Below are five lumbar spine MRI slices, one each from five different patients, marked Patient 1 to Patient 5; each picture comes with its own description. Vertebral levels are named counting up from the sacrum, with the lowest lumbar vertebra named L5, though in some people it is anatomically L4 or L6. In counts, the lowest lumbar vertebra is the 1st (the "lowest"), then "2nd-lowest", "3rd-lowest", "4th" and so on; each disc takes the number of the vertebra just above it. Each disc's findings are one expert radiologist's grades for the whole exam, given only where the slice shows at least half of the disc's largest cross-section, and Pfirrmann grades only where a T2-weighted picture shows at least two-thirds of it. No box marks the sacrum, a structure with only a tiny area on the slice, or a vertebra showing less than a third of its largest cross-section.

Patient 1 of 5:
Lumbar spine MR, T1-weighted, sagittal.
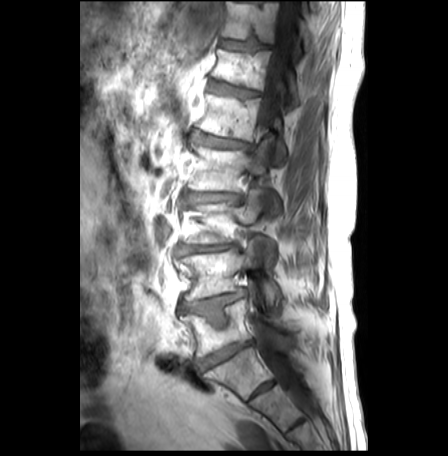
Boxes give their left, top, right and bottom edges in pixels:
Segmented structures:
* 4th vertebra: left=188, top=140, right=278, bottom=211
* lowest disc: left=198, top=342, right=251, bottom=371
* 7th vertebra: left=221, top=1, right=313, bottom=51
* 3rd-lowest disc: left=176, top=245, right=232, bottom=255
* 5th vertebra: left=197, top=95, right=284, bottom=166
* 6th disc: left=208, top=80, right=260, bottom=97
* thecal sac / spinal canal: left=251, top=1, right=293, bottom=387
* 7th disc: left=219, top=39, right=271, bottom=51
* lowest vertebra: left=181, top=300, right=298, bottom=357
* 2nd-lowest vertebra: left=179, top=240, right=279, bottom=305
* 2nd-lowest disc: left=180, top=291, right=246, bottom=326
* 3rd-lowest vertebra: left=185, top=192, right=275, bottom=267
* 4th disc: left=186, top=195, right=239, bottom=203
* 5th disc: left=193, top=133, right=249, bottom=149
* 6th vertebra: left=211, top=50, right=298, bottom=109

Per-level radiological findings:
  6th disc: disc bulging, lower-endplate change, upper-endplate change, Modic type II
  lowest disc: disc bulging, disc narrowing, Modic type II
  2nd-lowest disc: upper-endplate change, lower-endplate change, disc bulging, Modic type II
  5th disc: lower-endplate change, disc bulging, Modic type II, upper-endplate change
  7th disc: lower-endplate change, Modic type II, upper-endplate change

Patient 2 of 5:
SIEMENS Avanto_fit (1.5T), Patient sex: M, Sagittal T2-weighted lumbar spine MRI 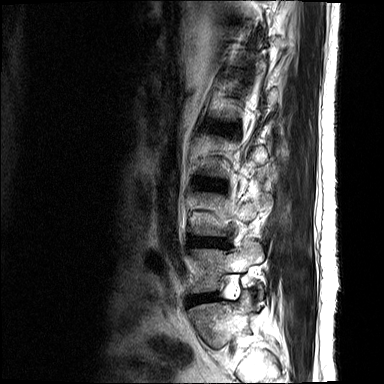
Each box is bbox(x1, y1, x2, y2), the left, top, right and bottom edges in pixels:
{"L4/L5": "bbox(190, 238, 217, 246)", "disc L5/S1": "bbox(195, 294, 214, 301)", "L3/L4": "bbox(202, 182, 215, 189)", "L5 vertebra": "bbox(192, 241, 263, 296)"}

Patient 3 of 5:
Slice 13 of 26 | Lumbar spine MR, T2-weighted, sagittal | 503x501 px 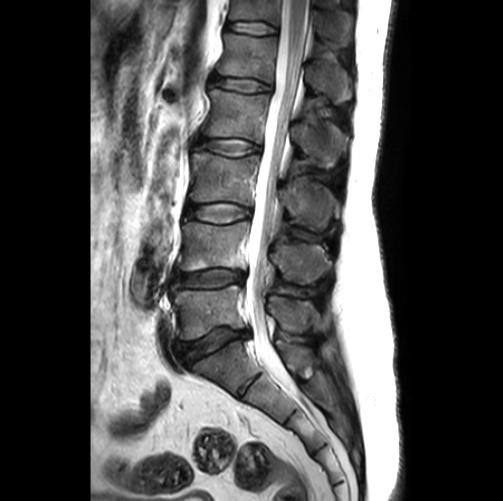 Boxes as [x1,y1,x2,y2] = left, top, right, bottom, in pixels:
L5 vertebra: [172,285,318,339]
thecal sac / spinal canal: [246,0,308,387]
L4/L5: [172,270,244,288]
T12/L1: [226,22,276,34]
IVD L3/L4: [185,203,250,222]
L3 vertebra: [190,152,338,227]
L4: [177,222,327,283]
T12: [229,0,352,45]
L2/L3: [196,138,260,156]
L1: [217,33,350,103]
L1/L2: [211,75,270,91]
L5/S1: [173,327,248,367]
L2: [204,89,336,168]

Expert MSK radiologist gradings (per disc):
  L2/L3: Pfirrmann grade 2
  L5/S1: Pfirrmann grade 3, disc narrowing, disc bulging
  L1/L2: Pfirrmann grade 2
  L3/L4: Pfirrmann grade 2
  T12/L1: Pfirrmann grade 1
  L4/L5: Pfirrmann grade 3, upper-endplate change, lower-endplate change, disc bulging, Modic type II, disc narrowing

Patient 4 of 5:
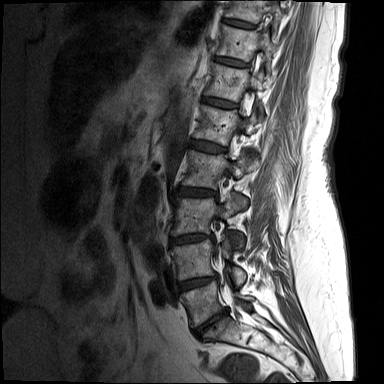

Sagittal slice index 4. 384x384 px. Sagittal T1-weighted lumbar spine MRI.
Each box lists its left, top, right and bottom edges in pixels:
T11 at left=217, top=24, right=276, bottom=72; T12 vertebra at left=205, top=64, right=264, bottom=121; T10 at left=225, top=0, right=283, bottom=36; L2 at left=182, top=150, right=260, bottom=188; L1 at left=195, top=105, right=256, bottom=145; T11/T12 at left=216, top=57, right=246, bottom=66; L4/L5 at left=178, top=275, right=217, bottom=290; IVD T10/T11 at left=224, top=18, right=255, bottom=28; IVD L3/L4 at left=170, top=233, right=211, bottom=244; IVD T12/L1 at left=203, top=97, right=237, bottom=108; L5 at left=180, top=277, right=253, bottom=326; IVD L5/S1 at left=193, top=308, right=228, bottom=337; IVD L2/L3 at left=176, top=187, right=215, bottom=196; L4 vertebra at left=172, top=236, right=246, bottom=285; L3 vertebra at left=171, top=192, right=247, bottom=247; L1/L2 at left=190, top=140, right=226, bottom=151.

Expert MSK radiologist gradings (per disc):
• L4/L5: disc narrowing, disc bulging
• L5/S1: Modic type II, disc narrowing, disc bulging
• L2/L3: disc bulging, Modic type II
• L1/L2: Modic type II
• L3/L4: disc narrowing, disc bulging
• T12/L1, T11/T12, T10/T11: no spondylolisthesis, narrowing, bulging, herniation, Modic or endplate change recorded

Patient 5 of 5:
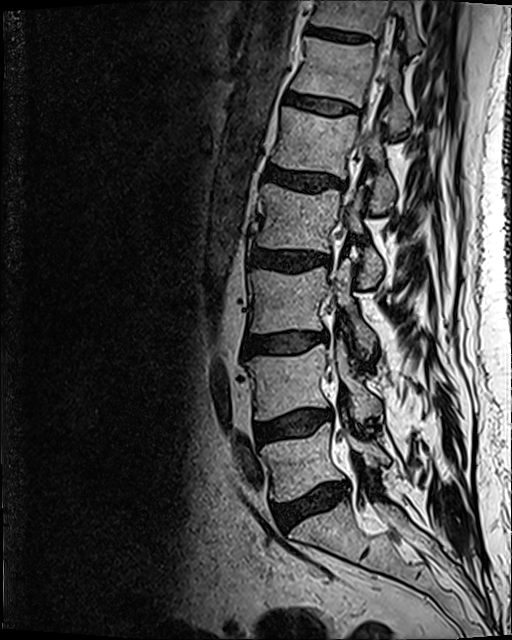

Image 512x640 | Sagittal T2 SPACE (3D) lumbar spine MRI

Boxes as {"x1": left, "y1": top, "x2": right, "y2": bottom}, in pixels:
2nd-lowest disc at {"x1": 255, "y1": 410, "x2": 331, "y2": 443}, lowest disc at {"x1": 274, "y1": 484, "x2": 347, "y2": 528}, 6th vertebra at {"x1": 291, "y1": 37, "x2": 409, "y2": 134}, 4th disc at {"x1": 251, "y1": 250, "x2": 328, "y2": 271}, 7th disc at {"x1": 306, "y1": 25, "x2": 371, "y2": 42}, 7th vertebra at {"x1": 311, "y1": 0, "x2": 421, "y2": 53}, 3rd-lowest disc at {"x1": 242, "y1": 332, "x2": 318, "y2": 355}, lowest vertebra at {"x1": 261, "y1": 422, "x2": 389, "y2": 501}, 5th vertebra at {"x1": 271, "y1": 107, "x2": 395, "y2": 212}, 5th disc at {"x1": 266, "y1": 166, "x2": 342, "y2": 193}, 6th disc at {"x1": 286, "y1": 93, "x2": 356, "y2": 114}, 2nd-lowest vertebra at {"x1": 246, "y1": 342, "x2": 381, "y2": 421}, 3rd-lowest vertebra at {"x1": 248, "y1": 261, "x2": 375, "y2": 354}, thecal sac / spinal canal at {"x1": 363, "y1": 50, "x2": 388, "y2": 135}, 4th vertebra at {"x1": 257, "y1": 184, "x2": 383, "y2": 286}.

Radiological gradings:
• 4th disc: Pfirrmann grade 3, disc bulging
• 3rd-lowest disc: Pfirrmann grade 2, disc bulging, Modic type II
• 7th disc: Pfirrmann grade 3
• 5th disc: Pfirrmann grade 3, disc bulging
• 6th disc: Pfirrmann grade 2
• lowest disc: Pfirrmann grade 3, Modic type II, disc bulging, disc narrowing
• 2nd-lowest disc: Pfirrmann grade 2, disc bulging, Modic type II